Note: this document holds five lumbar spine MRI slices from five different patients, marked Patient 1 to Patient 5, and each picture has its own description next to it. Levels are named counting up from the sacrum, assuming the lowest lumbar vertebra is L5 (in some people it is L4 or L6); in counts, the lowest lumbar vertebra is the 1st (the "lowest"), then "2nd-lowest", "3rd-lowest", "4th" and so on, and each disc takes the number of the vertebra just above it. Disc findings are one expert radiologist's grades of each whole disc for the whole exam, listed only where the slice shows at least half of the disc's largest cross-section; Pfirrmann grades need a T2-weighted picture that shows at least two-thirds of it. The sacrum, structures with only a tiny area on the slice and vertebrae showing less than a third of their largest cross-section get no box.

Patient 1 of 5:
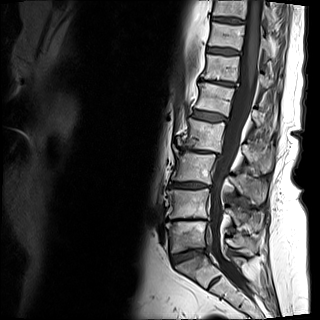 MRI lumbar spine (T1-weighted), sagittal plane
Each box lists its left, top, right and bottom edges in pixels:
{"L4": "left=167, top=188, right=263, bottom=231", "L1": "left=195, top=82, right=276, bottom=131", "T11 vertebra": "left=208, top=22, right=284, bottom=64", "T10 vertebra": "left=213, top=0, right=276, bottom=29", "L3 vertebra": "left=171, top=145, right=267, bottom=204", "thecal sac / spinal canal": "left=209, top=0, right=263, bottom=289", "intervertebral disc L5/S1": "left=170, top=248, right=209, bottom=263", "L1/L2": "left=193, top=110, right=227, bottom=121", "intervertebral disc T12/L1": "left=200, top=78, right=234, bottom=85", "L5": "left=166, top=221, right=255, bottom=252", "intervertebral disc L2/L3": "left=180, top=147, right=212, bottom=153", "T12": "left=201, top=54, right=282, bottom=91", "L3/L4": "left=170, top=182, right=205, bottom=188", "intervertebral disc L4/L5": "left=173, top=218, right=203, bottom=220", "L2 vertebra": "left=177, top=118, right=275, bottom=173", "T10/T11": "left=212, top=17, right=244, bottom=23", "T11/T12": "left=207, top=47, right=240, bottom=54"}

Expert MSK radiologist gradings (per disc):
  T12/L1: upper-endplate change, disc narrowing, disc bulging, lower-endplate change, Modic type II
  L3/L4: lower-endplate change, upper-endplate change, disc bulging
  L4/L5: disc bulging, Modic type II, upper-endplate change, disc narrowing, lower-endplate change
  L2/L3: disc bulging, disc narrowing, spondylolisthesis, upper-endplate change, lower-endplate change, Modic type II
  L5/S1: upper-endplate change, Modic type II, lower-endplate change, disc narrowing, disc bulging
  L1/L2: lower-endplate change, disc bulging, upper-endplate change
  T10/T11, T11/T12: no spondylolisthesis, narrowing, bulging, herniation, Modic or endplate change recorded

Patient 2 of 5:
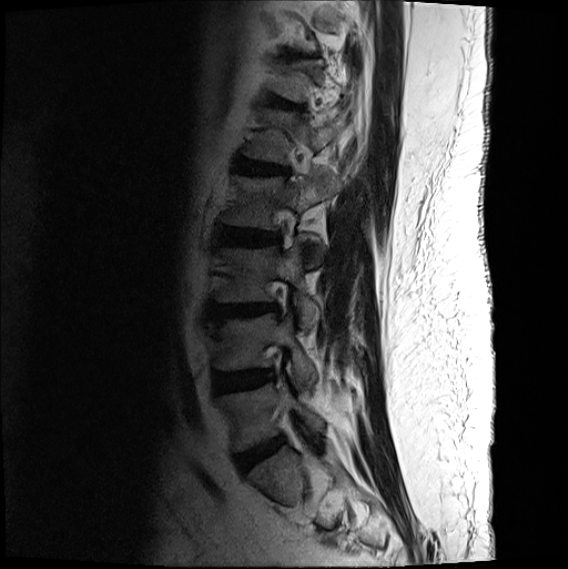 Sex M. Sagittal T2-weighted lumbar spine MRI.

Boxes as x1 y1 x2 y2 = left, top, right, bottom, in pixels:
{"IVD L4/L5": "214 369 274 392", "IVD L2/L3": "223 228 280 245", "L3 vertebra": "217 241 320 328", "L2": "224 175 340 230", "L3/L4": "214 304 279 321", "IVD L5/S1": "236 436 284 472", "IVD T12/L1": "271 96 292 108", "L4 vertebra": "217 313 317 387", "L5 vertebra": "219 383 324 451", "L1/L2": "235 158 288 174"}

Degenerative findings by level:
• L5/S1: disc bulging
• L2/L3: lower-endplate change, disc bulging
• L1/L2: Pfirrmann grade 3, disc narrowing, disc bulging, upper-endplate change, lower-endplate change, Modic type II
• L4/L5: Pfirrmann grade 3, disc narrowing, disc bulging
• L3/L4: upper-endplate change, disc bulging, lower-endplate change, Modic type II

Patient 3 of 5:
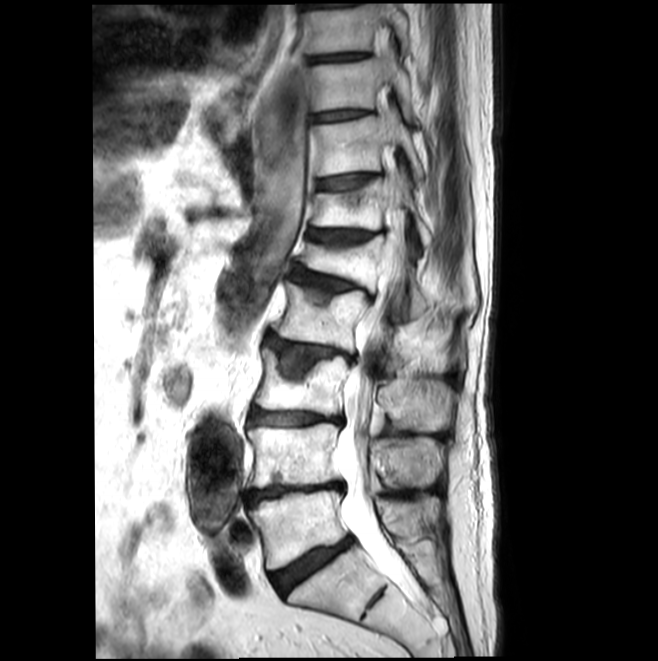 Image 658x661, Lumbar spine MR, T2-weighted, sagittal

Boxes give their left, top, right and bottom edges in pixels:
L1 (5th vertebra) at left=300, top=236, right=427, bottom=318.
L5/S1 (lowest disc) at left=270, top=538, right=350, bottom=594.
L2/L3 (4th disc) at left=265, top=335, right=350, bottom=374.
L3 (3rd-lowest vertebra) at left=255, top=348, right=450, bottom=431.
L1/L2 (5th disc) at left=291, top=269, right=376, bottom=300.
T12/L1 (6th disc) at left=308, top=229, right=373, bottom=243.
T10 (8th vertebra) at left=307, top=53, right=413, bottom=117.
Spinal canal at left=338, top=18, right=408, bottom=583.
T9 (9th vertebra) at left=300, top=4, right=409, bottom=53.
IVD T10/T11 (8th disc) at left=315, top=110, right=367, bottom=122.
L5 (lowest vertebra) at left=248, top=491, right=438, bottom=569.
IVD L3/L4 (3rd-lowest disc) at left=250, top=410, right=339, bottom=426.
L2 (4th vertebra) at left=271, top=283, right=444, bottom=363.
T11 (7th vertebra) at left=315, top=112, right=423, bottom=186.
T12 (6th vertebra) at left=311, top=170, right=431, bottom=246.
IVD L4/L5 (2nd-lowest disc) at left=246, top=483, right=338, bottom=506.
T9/T10 (9th disc) at left=308, top=53, right=366, bottom=62.
L4 (2nd-lowest vertebra) at left=247, top=424, right=444, bottom=488.
IVD T11/T12 (7th disc) at left=317, top=175, right=375, bottom=199.

Expert MSK radiologist gradings (per disc):
- T11/T12 (7th disc): Modic type II, upper-endplate change
- L1/L2 (5th disc): Pfirrmann grade 3, upper-endplate change, Modic type II, spondylolisthesis, disc bulging, disc narrowing
- L5/S1 (lowest disc): Pfirrmann grade 3, Modic type II, disc bulging, disc narrowing
- T12/L1 (6th disc): disc narrowing, upper-endplate change, Modic type II
- L3/L4 (3rd-lowest disc): Pfirrmann grade 3, Modic type II, upper-endplate change, disc bulging, lower-endplate change, disc narrowing
- L4/L5 (2nd-lowest disc): disc narrowing, Modic type II, disc bulging, upper-endplate change, lower-endplate change
- T10/T11 (8th disc): Pfirrmann grade 1
- L2/L3 (4th disc): Pfirrmann grade 3, Modic type II, disc bulging, upper-endplate change, disc narrowing
- T9/T10 (9th disc): no herniation, bulging, narrowing, spondylolisthesis, endplate or Modic change recorded

Patient 4 of 5:
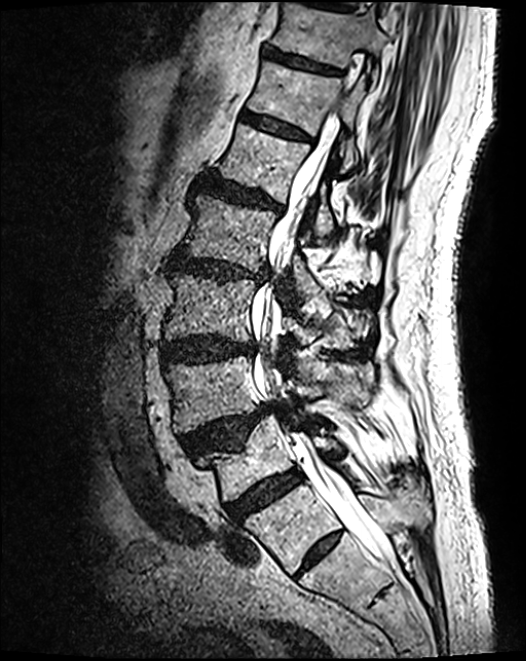 T2 SPACE (3D) sagittal MRI of the lumbar spine, Slice 56 of 124

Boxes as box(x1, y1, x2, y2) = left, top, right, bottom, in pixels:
Annotations:
- T12 vertebra: box(247, 62, 365, 169)
- L2/L3: box(171, 253, 268, 283)
- IVD L4/L5: box(182, 404, 276, 458)
- L4 vertebra: box(165, 356, 371, 433)
- L3/L4: box(160, 337, 255, 363)
- L5 vertebra: box(201, 417, 355, 502)
- L3 vertebra: box(163, 273, 354, 348)
- L1: box(218, 124, 334, 243)
- L2 vertebra: box(182, 195, 318, 293)
- T11/T12: box(264, 48, 338, 74)
- IVD T12/L1: box(241, 112, 308, 141)
- thecal sac / spinal canal: box(252, 105, 392, 567)
- IVD L1/L2: box(203, 176, 283, 212)
- L5/S1: box(227, 471, 303, 521)
- T11 vertebra: box(271, 4, 387, 82)

Degenerative findings by level:
- T12/L1: Pfirrmann grade 3
- L3/L4: Pfirrmann grade 4, disc bulging
- T11/T12: Pfirrmann grade 3, lower-endplate change
- L4/L5: Pfirrmann grade 4, disc herniation, spondylolisthesis, upper-endplate change
- L1/L2: Pfirrmann grade 4, disc bulging, upper-endplate change, lower-endplate change
- L2/L3: Pfirrmann grade 4, disc bulging, disc narrowing, lower-endplate change, upper-endplate change
- L5/S1: Pfirrmann grade 4

Patient 5 of 5:
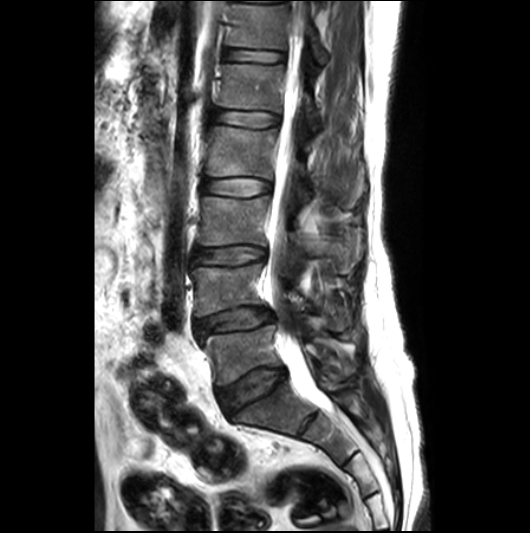 Field of view 280x282 mm, slice spacing 3.3 mm, T2-weighted sagittal MRI of the lumbar spine, Image 530x533
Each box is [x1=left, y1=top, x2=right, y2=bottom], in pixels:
- L5/S1: [x1=217, y1=367, x2=285, y2=415]
- L3: [x1=197, y1=196, x2=359, y2=274]
- L3/L4: [x1=194, y1=246, x2=265, y2=263]
- intervertebral disc T12/L1: [x1=226, y1=49, x2=283, y2=63]
- intervertebral disc L4/L5: [x1=195, y1=308, x2=273, y2=336]
- thecal sac / spinal canal: [x1=267, y1=19, x2=326, y2=407]
- L2 vertebra: [x1=206, y1=126, x2=310, y2=203]
- intervertebral disc L1/L2: [x1=214, y1=110, x2=278, y2=128]
- L4 vertebra: [x1=191, y1=263, x2=350, y2=330]
- intervertebral disc L2/L3: [x1=202, y1=178, x2=270, y2=196]
- T12: [x1=229, y1=4, x2=326, y2=64]
- L5: [x1=202, y1=325, x2=332, y2=385]
- L1: [x1=217, y1=63, x2=319, y2=134]

Degenerative findings by level:
  L5/S1: Pfirrmann grade 3, disc bulging
  L4/L5: Pfirrmann grade 3, disc narrowing, disc herniation, disc bulging, Modic type II
  L3/L4: Pfirrmann grade 3, upper-endplate change, disc bulging
  L1/L2: Pfirrmann grade 2
  L2/L3: Pfirrmann grade 2
  T12/L1: Pfirrmann grade 2, lower-endplate change